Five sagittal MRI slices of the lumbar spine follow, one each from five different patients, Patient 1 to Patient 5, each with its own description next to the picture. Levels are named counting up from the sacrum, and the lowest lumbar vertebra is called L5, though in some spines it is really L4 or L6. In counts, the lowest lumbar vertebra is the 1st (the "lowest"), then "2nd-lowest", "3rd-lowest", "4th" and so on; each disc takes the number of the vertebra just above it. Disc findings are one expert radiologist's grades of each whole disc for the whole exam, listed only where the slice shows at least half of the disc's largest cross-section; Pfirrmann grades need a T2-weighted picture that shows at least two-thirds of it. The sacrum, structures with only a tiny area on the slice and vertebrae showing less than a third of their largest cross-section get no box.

Patient 1 of 5:
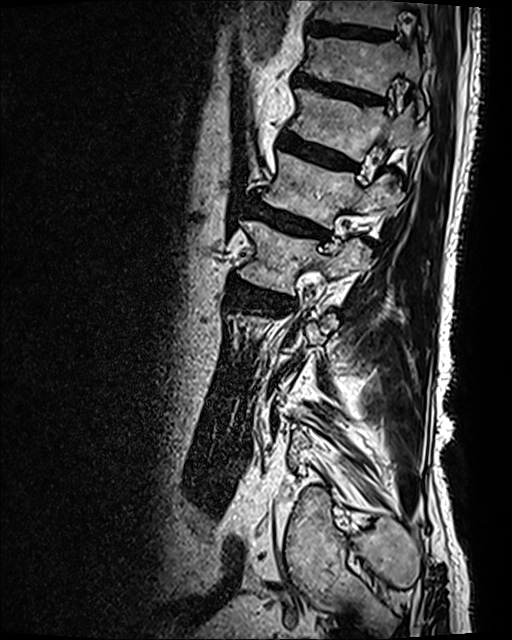

MRI lumbar spine (T2 SPACE (3D)), sagittal plane.

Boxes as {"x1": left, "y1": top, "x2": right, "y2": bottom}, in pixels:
L2/L3: {"x1": 230, "y1": 276, "x2": 292, "y2": 311}.
T11 vertebra: {"x1": 303, "y1": 38, "x2": 423, "y2": 110}.
Disc L1/L2: {"x1": 252, "y1": 198, "x2": 329, "y2": 238}.
T10: {"x1": 312, "y1": 0, "x2": 429, "y2": 40}.
L1: {"x1": 263, "y1": 152, "x2": 400, "y2": 228}.
L2 vertebra: {"x1": 238, "y1": 221, "x2": 369, "y2": 294}.
T11/T12: {"x1": 294, "y1": 70, "x2": 383, "y2": 102}.
T10/T11: {"x1": 308, "y1": 23, "x2": 392, "y2": 41}.
T12 vertebra: {"x1": 289, "y1": 89, "x2": 427, "y2": 160}.
Disc T12/L1: {"x1": 279, "y1": 132, "x2": 358, "y2": 170}.

Expert MSK radiologist gradings (per disc):
  T12/L1: Pfirrmann grade 4, disc bulging, upper-endplate change, lower-endplate change, Modic type II
  T10/T11: Pfirrmann grade 3
  L1/L2: Pfirrmann grade 4, Modic type II, disc bulging, upper-endplate change, lower-endplate change
  T11/T12: Pfirrmann grade 4, lower-endplate change, upper-endplate change, disc bulging
  L2/L3: Pfirrmann grade 4, lower-endplate change, upper-endplate change, disc bulging, Modic type I, disc narrowing

Patient 2 of 5:
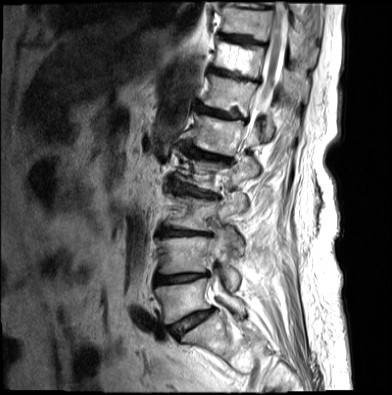 Slice 11 of 17. Lumbar spine MR, T2-weighted, sagittal.
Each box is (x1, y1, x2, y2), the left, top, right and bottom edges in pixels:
thecal sac / spinal canal: (214, 1, 286, 288)
disc T12/L1: (197, 104, 242, 119)
disc T10/T11: (218, 34, 264, 45)
disc L3/L4: (160, 229, 208, 237)
L4: (158, 230, 238, 291)
L5 vertebra: (154, 275, 243, 324)
T10 vertebra: (219, 5, 302, 49)
L1: (190, 116, 259, 156)
T12 vertebra: (203, 73, 273, 140)
disc L2/L3: (168, 181, 217, 198)
disc T9/T10: (230, 2, 268, 9)
disc L5/S1: (167, 309, 212, 339)
disc L4/L5: (154, 273, 206, 285)
disc L1/L2: (181, 143, 229, 163)
T11 vertebra: (214, 40, 309, 100)
T11/T12: (210, 67, 258, 82)

Expert MSK radiologist gradings (per disc):
- L2/L3: Pfirrmann grade 3, lower-endplate change, disc narrowing, upper-endplate change, Modic type II, disc herniation, disc bulging
- T11/T12: Pfirrmann grade 4, disc bulging, Modic type II, disc narrowing
- T10/T11: Pfirrmann grade 4, Modic type II
- L3/L4: Pfirrmann grade 5, upper-endplate change, disc bulging, Modic type II, lower-endplate change, disc narrowing
- T9/T10: Pfirrmann grade 2
- T12/L1: Pfirrmann grade 4, disc bulging, lower-endplate change, disc narrowing, upper-endplate change, Modic type II
- L1/L2: Pfirrmann grade 4, Modic type II, disc narrowing, disc bulging, lower-endplate change, upper-endplate change
- L5/S1: Pfirrmann grade 3, Modic type II, spondylolisthesis, disc bulging, disc narrowing
- L4/L5: Pfirrmann grade 5, disc narrowing, upper-endplate change, Modic type II, disc bulging, lower-endplate change

Patient 3 of 5:
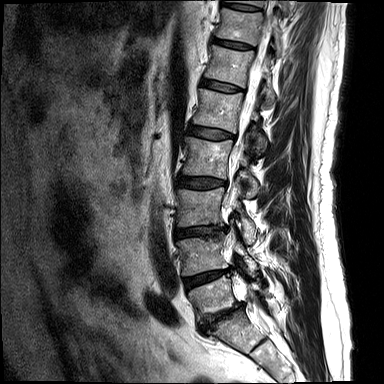 Sagittal T2-weighted lumbar spine MRI
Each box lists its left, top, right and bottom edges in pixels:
Lowest vertebra — left=189, top=275, right=267, bottom=316.
Spinal canal — left=229, top=22, right=271, bottom=319.
8th disc — left=223, top=3, right=259, bottom=10.
6th vertebra — left=205, top=45, right=274, bottom=109.
2nd-lowest vertebra — left=177, top=228, right=258, bottom=275.
4th vertebra — left=183, top=137, right=260, bottom=196.
4th disc — left=178, top=176, right=226, bottom=188.
2nd-lowest disc — left=184, top=270, right=229, bottom=288.
Lowest disc — left=200, top=303, right=243, bottom=332.
3rd-lowest vertebra — left=177, top=179, right=256, bottom=243.
3rd-lowest disc — left=175, top=226, right=226, bottom=237.
5th vertebra — left=193, top=89, right=267, bottom=155.
7th vertebra — left=216, top=8, right=282, bottom=52.
5th disc — left=188, top=125, right=233, bottom=139.
7th disc — left=212, top=38, right=250, bottom=48.
6th disc — left=201, top=79, right=239, bottom=91.
8th vertebra — left=225, top=0, right=289, bottom=15.

Per-level radiological findings:
- 3rd-lowest disc: Pfirrmann grade 3, lower-endplate change, disc bulging, upper-endplate change, disc narrowing
- 5th disc: Pfirrmann grade 2, upper-endplate change, disc bulging
- 7th disc: Pfirrmann grade 1
- 2nd-lowest disc: Pfirrmann grade 3, disc bulging, Modic type II, disc narrowing, upper-endplate change, lower-endplate change
- 6th disc: Pfirrmann grade 1
- 8th disc: Pfirrmann grade 1
- 4th disc: Pfirrmann grade 2, disc bulging
- lowest disc: Pfirrmann grade 5, upper-endplate change, disc narrowing, disc bulging, Modic type II, lower-endplate change

Patient 4 of 5:
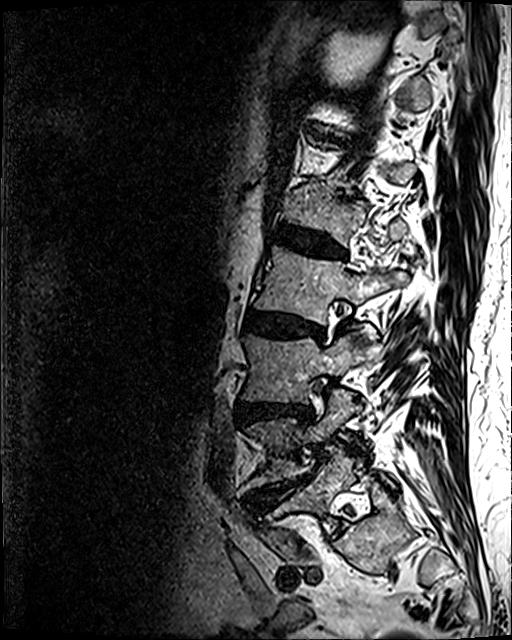
Image 512x640. MRI lumbar spine (T2 SPACE (3D)), sagittal plane. Patient sex: M.
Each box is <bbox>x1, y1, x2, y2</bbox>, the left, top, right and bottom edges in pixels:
4th vertebra: <bbox>253, 244, 408, 324</bbox>
4th disc: <bbox>245, 312, 323, 338</bbox>
lowest vertebra: <bbox>273, 452, 361, 533</bbox>
5th disc: <bbox>270, 224, 345, 258</bbox>
3rd-lowest vertebra: <bbox>242, 325, 379, 403</bbox>
2nd-lowest disc: <bbox>245, 473, 311, 511</bbox>
2nd-lowest vertebra: <bbox>241, 390, 360, 491</bbox>
5th vertebra: <bbox>282, 186, 407, 246</bbox>
3rd-lowest disc: <bbox>241, 403, 312, 422</bbox>

Expert MSK radiologist gradings (per disc):
- 5th disc: Pfirrmann grade 4, upper-endplate change, lower-endplate change, disc narrowing, disc bulging
- 2nd-lowest disc: Pfirrmann grade 5, disc narrowing, Modic type II, disc bulging, disc herniation, upper-endplate change, lower-endplate change
- 3rd-lowest disc: Pfirrmann grade 4, disc bulging, lower-endplate change, upper-endplate change, disc narrowing
- 4th disc: Pfirrmann grade 4, lower-endplate change, Modic type II, disc bulging, upper-endplate change, disc narrowing

Patient 5 of 5:
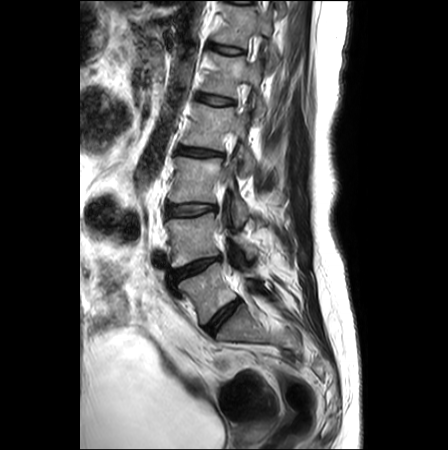 Slice spacing 3.3 mm; Sagittal T2-weighted lumbar spine MRI
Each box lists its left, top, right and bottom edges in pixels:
{"L4/L5 (2nd-lowest disc)": "left=171, top=257, right=220, bottom=281", "L2/L3 (4th disc)": "left=177, top=147, right=221, bottom=156", "L3/L4 (3rd-lowest disc)": "left=166, top=204, right=215, bottom=215", "intervertebral disc L1/L2 (5th disc)": "left=196, top=93, right=233, bottom=104", "L4 (2nd-lowest vertebra)": "left=166, top=213, right=257, bottom=266", "L3 (3rd-lowest vertebra)": "left=168, top=157, right=249, bottom=225", "L2 (4th vertebra)": "left=181, top=102, right=255, bottom=172", "L5 (lowest vertebra)": "left=178, top=263, right=261, bottom=324", "T12/L1 (6th disc)": "left=208, top=43, right=243, bottom=54", "L1 (5th vertebra)": "left=200, top=51, right=267, bottom=118", "intervertebral disc L5/S1 (lowest disc)": "left=205, top=300, right=240, bottom=334", "T12 (6th vertebra)": "left=212, top=3, right=279, bottom=64"}

Expert MSK radiologist gradings (per disc):
- T12/L1 (6th disc): Pfirrmann grade 1
- L4/L5 (2nd-lowest disc): Pfirrmann grade 4, upper-endplate change, lower-endplate change, disc herniation, Modic type II, disc narrowing
- L3/L4 (3rd-lowest disc): Pfirrmann grade 1, disc bulging
- L5/S1 (lowest disc): Pfirrmann grade 2
- L1/L2 (5th disc): Pfirrmann grade 1
- L2/L3 (4th disc): Pfirrmann grade 3, disc bulging